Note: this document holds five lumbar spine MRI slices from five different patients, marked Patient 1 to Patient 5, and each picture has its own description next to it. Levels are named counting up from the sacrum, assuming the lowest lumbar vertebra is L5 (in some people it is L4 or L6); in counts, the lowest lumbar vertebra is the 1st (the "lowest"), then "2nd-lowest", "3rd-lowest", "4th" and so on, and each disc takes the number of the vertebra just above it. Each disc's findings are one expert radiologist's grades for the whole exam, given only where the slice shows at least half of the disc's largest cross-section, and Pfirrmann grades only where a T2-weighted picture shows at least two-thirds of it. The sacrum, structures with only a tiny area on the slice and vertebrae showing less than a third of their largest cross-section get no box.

Patient 1 of 5:
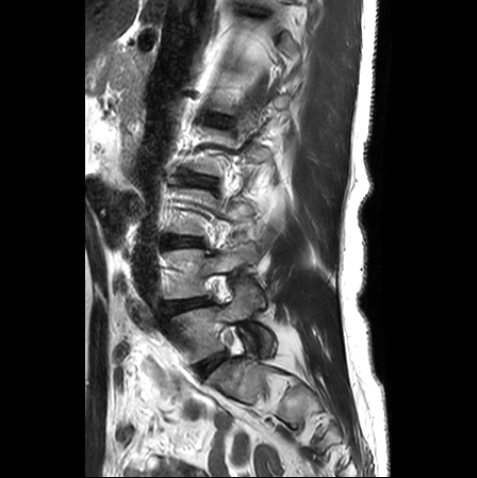 T2-weighted sagittal MRI of the lumbar spine | 477x478 px | Sex F
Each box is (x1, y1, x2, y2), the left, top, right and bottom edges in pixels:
L4/L5 (2nd-lowest disc) = (166, 298, 208, 312).
L5 (lowest vertebra) = (172, 289, 270, 361).
L5/S1 (lowest disc) = (198, 353, 225, 374).
L3/L4 (3rd-lowest disc) = (165, 237, 202, 246).
L2/L3 (4th disc) = (183, 175, 215, 186).
L1/L2 (5th disc) = (209, 116, 227, 125).
L4 (2nd-lowest vertebra) = (164, 244, 258, 298).

Per-level radiological findings:
  L3/L4 (3rd-lowest disc): disc bulging, disc narrowing
  L4/L5 (2nd-lowest disc): disc narrowing, upper-endplate change, lower-endplate change, disc bulging

Patient 2 of 5:
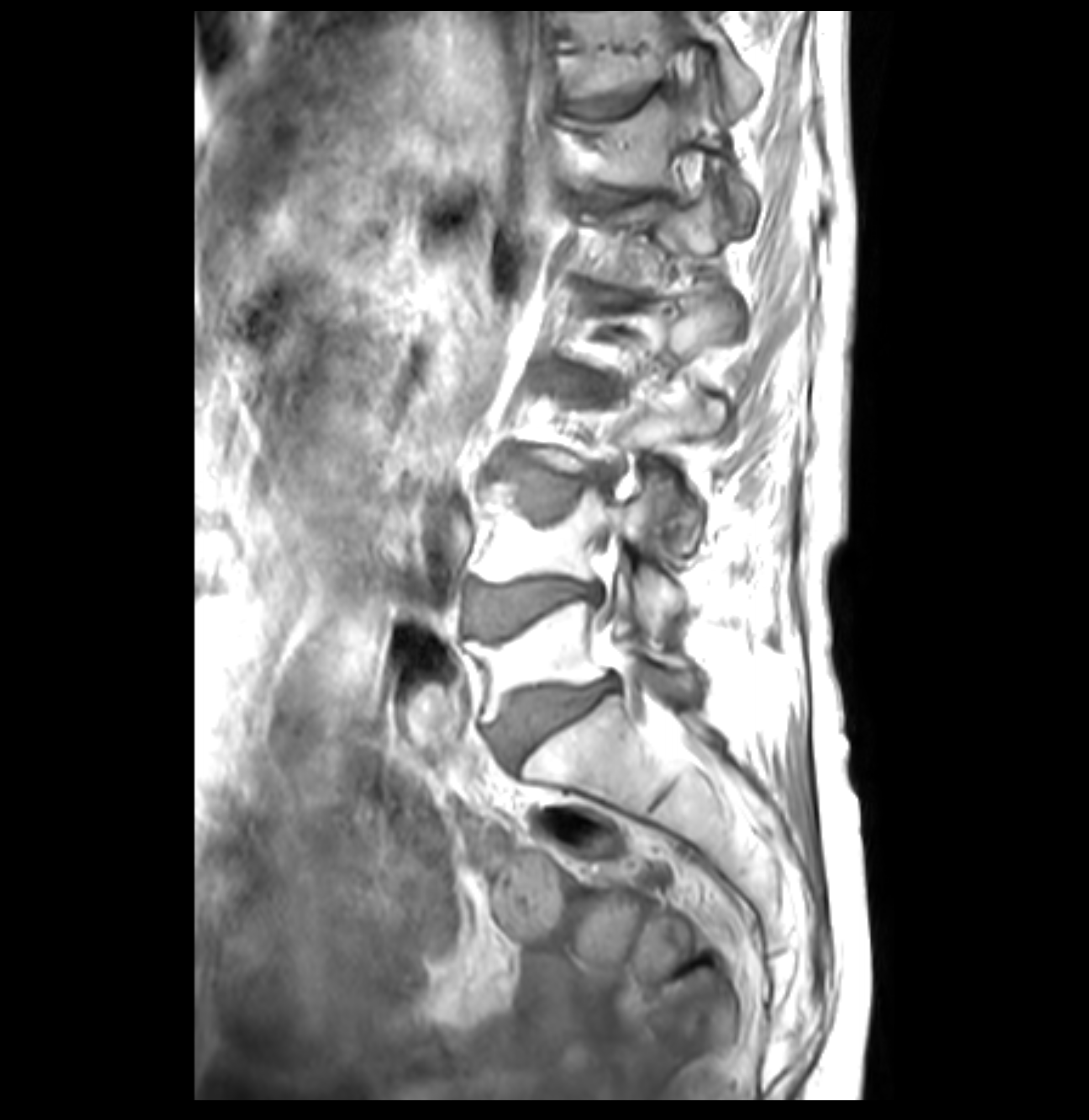 Image 1089x1120; Lumbar spine MR, T1-weighted, sagittal; Field of view 280x288 mm, slice spacing 3.4 mm

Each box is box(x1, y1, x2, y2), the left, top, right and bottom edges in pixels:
T11 vertebra: box(571, 12, 761, 116)
T12: box(584, 95, 756, 220)
L5: box(472, 599, 697, 722)
T12/L1: box(591, 190, 639, 206)
IVD L3/L4: box(508, 461, 578, 517)
IVD L5/S1: box(494, 679, 615, 763)
L4/L5: box(469, 578, 598, 634)
L4: box(477, 473, 685, 634)
IVD T11/T12: box(576, 87, 661, 115)

Expert MSK radiologist gradings (per disc):
- L4/L5: disc bulging, Modic type II, lower-endplate change, upper-endplate change
- L3/L4: Modic type II, disc bulging, lower-endplate change, disc narrowing, upper-endplate change
- L5/S1: Modic type II, disc bulging, upper-endplate change, lower-endplate change

Patient 3 of 5:
Image 512x640, T2 SPACE (3D) sagittal MRI of the lumbar spine

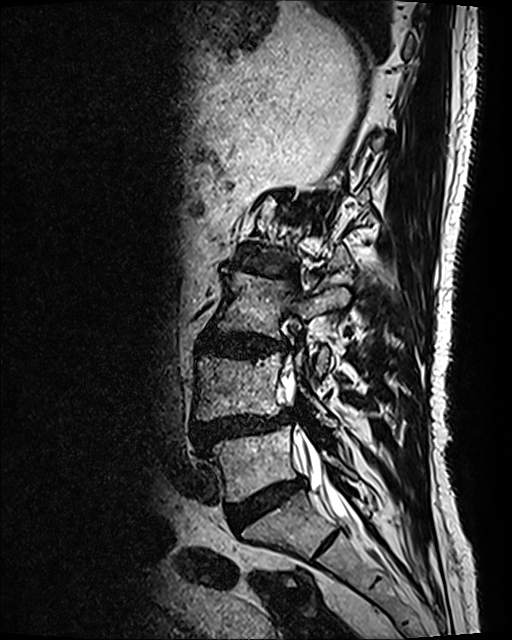

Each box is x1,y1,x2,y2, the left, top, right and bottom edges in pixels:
Structures:
• L4 vertebra — 195,350,335,426
• thecal sac / spinal canal — 283,376,361,528
• L3 — 217,272,349,375
• L5 vertebra — 208,425,353,501
• L5/S1 — 227,477,306,523
• L4/L5 — 193,414,289,451
• intervertebral disc L3/L4 — 199,330,286,355
• intervertebral disc L2/L3 — 247,266,294,279

Per-level radiological findings:
• L3/L4: Pfirrmann grade 4, lower-endplate change, upper-endplate change, disc bulging
• L5/S1: Pfirrmann grade 4
• L4/L5: Pfirrmann grade 4, disc bulging, disc narrowing, upper-endplate change, Modic type II, disc herniation, spondylolisthesis, lower-endplate change

Patient 4 of 5:
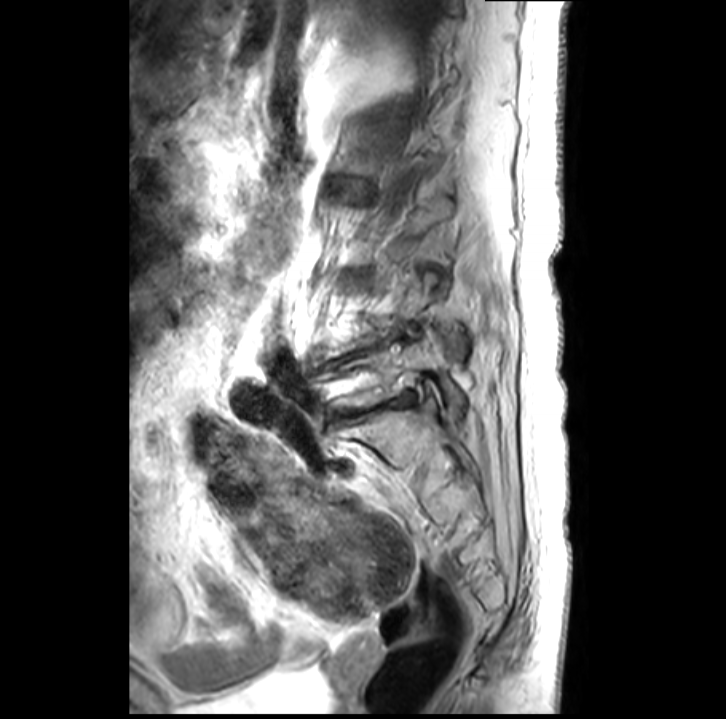 Image 726x719, Slice 10 of 32, T2-weighted sagittal MRI of the lumbar spine
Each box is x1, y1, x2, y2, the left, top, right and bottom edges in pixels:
Annotations:
* lowest disc = 347, 393, 412, 415
* 2nd-lowest disc = 328, 340, 387, 364
* lowest vertebra = 325, 331, 464, 418

Patient 5 of 5:
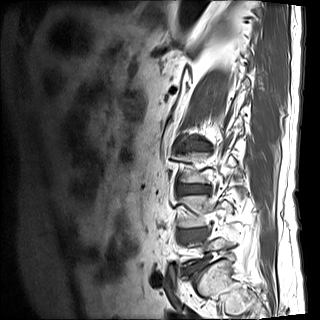
Field of view 280x280 mm, slice spacing 4.8 mm. Lumbar spine MR, T1-weighted, sagittal. Slice 13 of 15. Sex M.

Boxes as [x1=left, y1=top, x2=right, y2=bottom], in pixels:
2nd-lowest vertebra — [x1=178, y1=195, x2=231, y2=227].
3rd-lowest disc — [x1=178, y1=186, x2=209, y2=194].
2nd-lowest disc — [x1=180, y1=229, x2=205, y2=237].

Degenerative findings by level:
- 3rd-lowest disc: upper-endplate change, Modic type II, disc bulging, lower-endplate change